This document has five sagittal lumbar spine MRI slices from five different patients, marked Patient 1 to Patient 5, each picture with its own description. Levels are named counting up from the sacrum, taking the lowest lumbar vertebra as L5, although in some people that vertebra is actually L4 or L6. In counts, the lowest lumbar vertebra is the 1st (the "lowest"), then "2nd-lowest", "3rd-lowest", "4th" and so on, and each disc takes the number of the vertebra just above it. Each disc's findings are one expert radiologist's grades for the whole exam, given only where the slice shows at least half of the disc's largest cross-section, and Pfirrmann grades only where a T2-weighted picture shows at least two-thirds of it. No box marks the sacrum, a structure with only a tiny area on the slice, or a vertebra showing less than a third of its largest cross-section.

Patient 1 of 5:
SIEMENS Avanto_fit (1.5T). T1-weighted sagittal MRI of the lumbar spine.
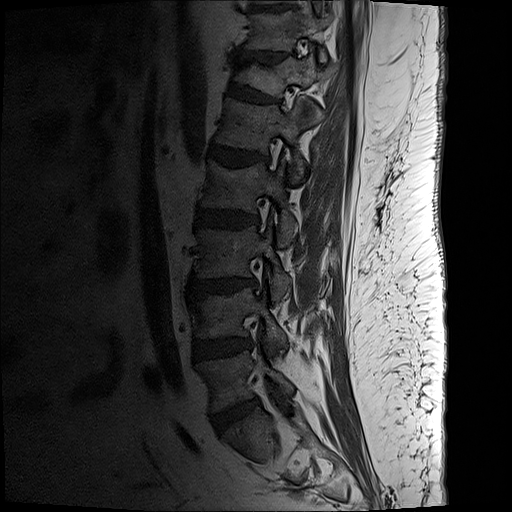

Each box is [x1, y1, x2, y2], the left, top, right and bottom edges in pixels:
Structures:
• lowest disc at [213, 399, 258, 432]
• 2nd-lowest disc at [194, 340, 250, 360]
• 8th disc at [255, 7, 285, 11]
• 3rd-lowest vertebra at [197, 226, 289, 301]
• 6th disc at [228, 84, 277, 103]
• 7th vertebra at [246, 14, 330, 62]
• 4th vertebra at [202, 161, 296, 246]
• lowest vertebra at [198, 351, 293, 412]
• 4th disc at [196, 209, 258, 229]
• 3rd-lowest disc at [194, 280, 256, 294]
• 6th vertebra at [234, 54, 333, 98]
• 2nd-lowest vertebra at [196, 290, 288, 352]
• 7th disc at [238, 52, 285, 63]
• 5th vertebra at [217, 99, 319, 183]
• 5th disc at [208, 144, 259, 167]

Radiological gradings:
  6th disc: disc bulging, lower-endplate change, upper-endplate change, spondylolisthesis
  5th disc: upper-endplate change, disc narrowing, disc bulging, lower-endplate change, Modic type II
  2nd-lowest disc: disc bulging, disc narrowing
  3rd-lowest disc: disc bulging, Modic type II, upper-endplate change, lower-endplate change
  4th disc: lower-endplate change, disc bulging
  lowest disc: disc bulging
  7th disc: lower-endplate change, upper-endplate change, disc narrowing, disc bulging

Patient 2 of 5:
Lumbar spine MR, T2-weighted, sagittal, Field of view 280x281 mm, slice spacing 3.3 mm 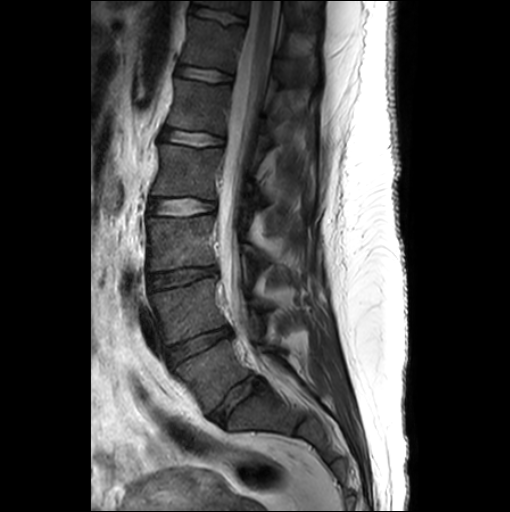 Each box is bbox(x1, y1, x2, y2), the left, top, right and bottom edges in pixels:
L5: bbox(175, 339, 275, 413).
L2/L3: bbox(148, 198, 214, 215).
Intervertebral disc T12/L1: bbox(176, 64, 231, 81).
Intervertebral disc T11/T12: bbox(190, 4, 245, 23).
L3 vertebra: bbox(148, 216, 269, 270).
T12: bbox(181, 16, 291, 81).
L5/S1: bbox(209, 375, 262, 424).
L1 vertebra: bbox(167, 77, 271, 148).
Thecal sac / spinal canal: bbox(217, 0, 278, 327).
L4/L5: bbox(166, 326, 231, 365).
T11 vertebra: bbox(196, 0, 303, 27).
L4: bbox(150, 278, 269, 343).
L3/L4: bbox(148, 266, 216, 289).
Intervertebral disc L1/L2: bbox(161, 128, 223, 146).
L2: bbox(152, 144, 266, 205).

Degenerative findings by level:
• L3/L4: Pfirrmann grade 3, disc narrowing, disc bulging
• L2/L3: Pfirrmann grade 1
• L5/S1: Pfirrmann grade 3, disc bulging
• T12/L1: Pfirrmann grade 1
• T11/T12: Pfirrmann grade 1
• L1/L2: Pfirrmann grade 1
• L4/L5: Pfirrmann grade 3, disc narrowing, disc bulging

Patient 3 of 5:
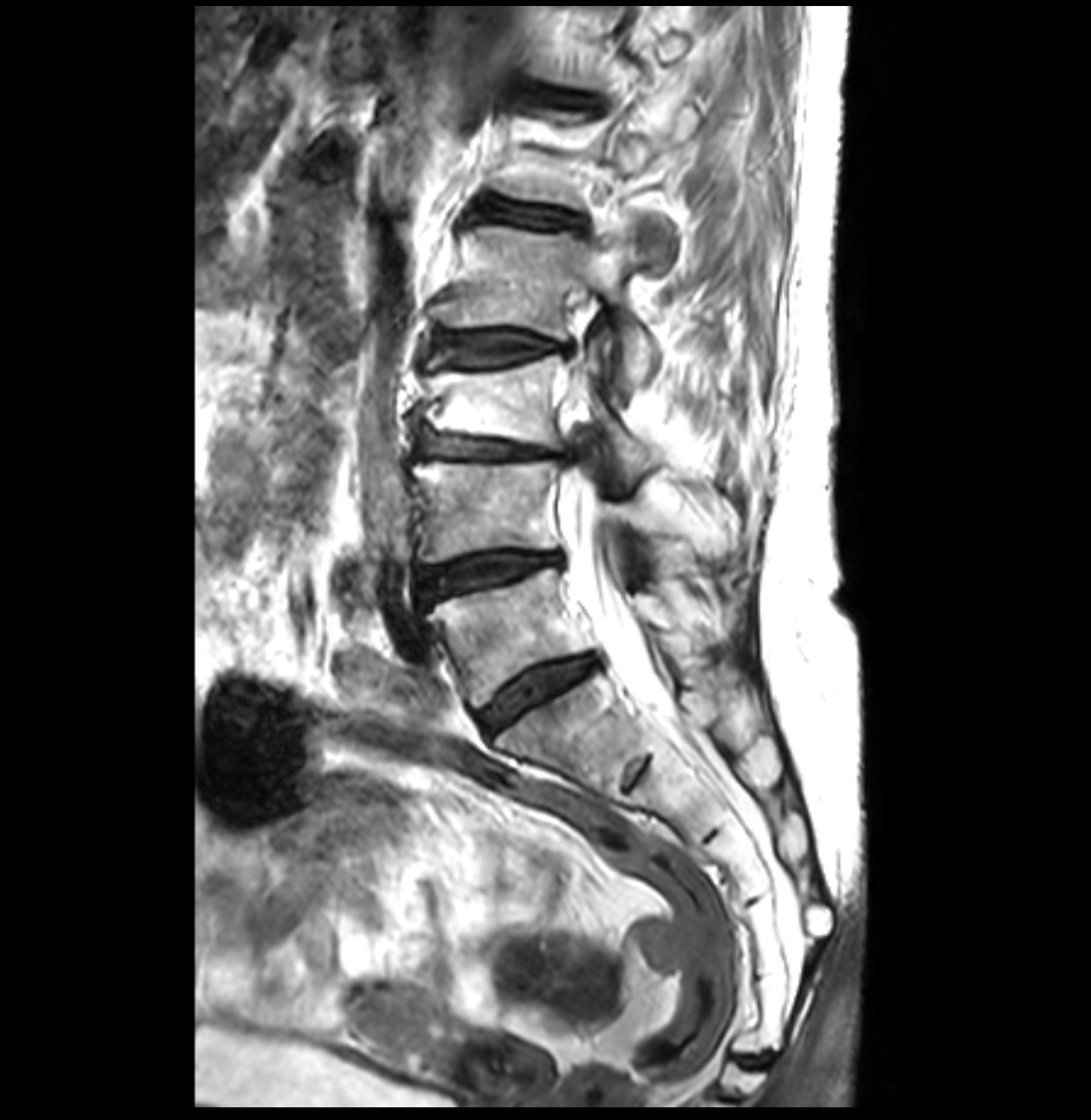 T2-weighted sagittal MRI of the lumbar spine
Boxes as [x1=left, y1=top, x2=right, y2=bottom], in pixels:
L2 (4th vertebra) = [x1=443, y1=214, x2=657, y2=389].
L5 (lowest vertebra) = [x1=426, y1=568, x2=735, y2=708].
L4/L5 (2nd-lowest disc) = [x1=419, y1=551, x2=562, y2=603].
IVD L1/L2 (5th disc) = [x1=475, y1=196, x2=586, y2=229].
L4 (2nd-lowest vertebra) = [x1=414, y1=460, x2=722, y2=562].
L3 (3rd-lowest vertebra) = [x1=426, y1=343, x2=657, y2=475].
IVD T12/L1 (6th disc) = [x1=533, y1=87, x2=606, y2=108].
L5/S1 (lowest disc) = [x1=480, y1=655, x2=596, y2=731].
IVD L2/L3 (4th disc) = [x1=433, y1=331, x2=574, y2=365].
Spinal canal = [x1=563, y1=466, x2=662, y2=706].
L3/L4 (3rd-lowest disc) = [x1=419, y1=432, x2=564, y2=457].

Degenerative findings by level:
- L2/L3 (4th disc): Pfirrmann grade 3, disc bulging, Modic type II
- L4/L5 (2nd-lowest disc): Pfirrmann grade 3, disc bulging, Modic type II, disc narrowing
- L3/L4 (3rd-lowest disc): Modic type II, disc narrowing, disc bulging, upper-endplate change
- L1/L2 (5th disc): upper-endplate change, lower-endplate change
- L5/S1 (lowest disc): Pfirrmann grade 3, disc bulging

Patient 4 of 5:
Lumbar spine MR, T2-weighted, sagittal, Patient sex: M, Field of view 280x280 mm 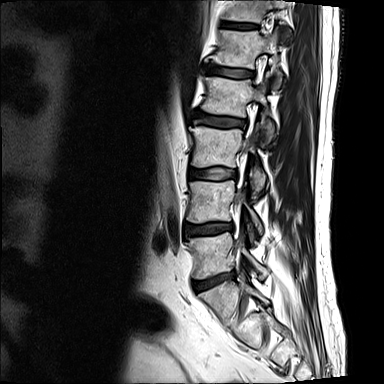 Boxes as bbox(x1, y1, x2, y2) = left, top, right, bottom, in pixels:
Annotations:
* L2/L3: bbox(195, 113, 246, 127)
* IVD T12/L1: bbox(223, 21, 255, 29)
* L4: bbox(187, 180, 262, 234)
* L1 vertebra: bbox(215, 29, 281, 90)
* L2: bbox(201, 74, 274, 142)
* L5: bbox(188, 232, 267, 279)
* L3: bbox(190, 121, 265, 196)
* L3/L4: bbox(189, 168, 237, 179)
* L1/L2: bbox(206, 66, 254, 77)
* L5/S1: bbox(193, 273, 233, 291)
* T12: bbox(225, 0, 291, 40)
* IVD L4/L5: bbox(184, 223, 233, 235)

Radiological gradings:
  L3/L4: Pfirrmann grade 2
  L1/L2: Pfirrmann grade 2, lower-endplate change, upper-endplate change, Modic type II
  L5/S1: disc herniation, lower-endplate change, Modic type II, upper-endplate change, disc narrowing
  L4/L5: Pfirrmann grade 2, lower-endplate change, disc bulging, upper-endplate change
  T12/L1: Pfirrmann grade 2
  L2/L3: Pfirrmann grade 3, disc bulging, Modic type II, lower-endplate change, upper-endplate change

Patient 5 of 5:
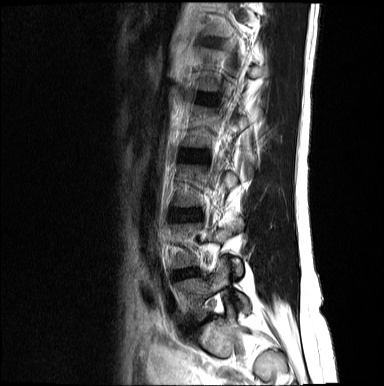 Slice 4 of 17; Image 384x386; Sagittal T2-weighted lumbar spine MRI

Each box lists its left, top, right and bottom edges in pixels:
lowest vertebra at left=177, top=261, right=250, bottom=319 | 3rd-lowest disc at left=173, top=210, right=201, bottom=220 | 2nd-lowest disc at left=173, top=269, right=195, bottom=278